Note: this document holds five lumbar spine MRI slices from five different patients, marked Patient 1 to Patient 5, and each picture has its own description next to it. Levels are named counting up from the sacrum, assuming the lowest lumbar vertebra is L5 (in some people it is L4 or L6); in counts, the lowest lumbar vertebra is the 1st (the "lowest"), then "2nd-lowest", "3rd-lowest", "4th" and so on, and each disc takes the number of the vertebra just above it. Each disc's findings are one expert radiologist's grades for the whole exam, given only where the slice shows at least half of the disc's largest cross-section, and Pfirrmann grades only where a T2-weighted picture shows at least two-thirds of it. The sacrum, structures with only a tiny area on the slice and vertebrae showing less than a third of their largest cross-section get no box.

Patient 1 of 5:
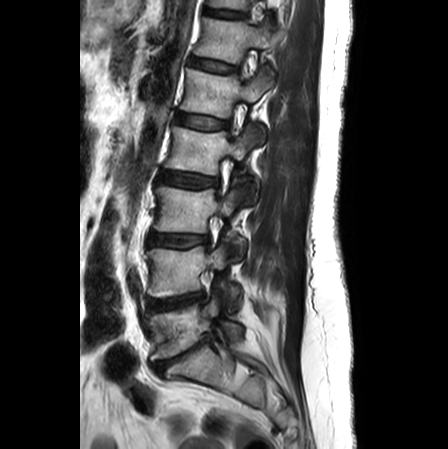

Field of view 280x280 mm, Sagittal T2-weighted lumbar spine MRI

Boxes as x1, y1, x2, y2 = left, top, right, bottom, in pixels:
4th disc: 160, 173, 217, 188 | 4th vertebra: 165, 127, 255, 203 | 3rd-lowest vertebra: 153, 186, 245, 256 | 7th disc: 204, 9, 246, 17 | 7th vertebra: 209, 0, 250, 10 | 5th disc: 175, 113, 227, 129 | 6th vertebra: 194, 17, 276, 63 | lowest vertebra: 150, 296, 242, 360 | 2nd-lowest vertebra: 147, 245, 240, 310 | 6th disc: 190, 57, 238, 72 | 5th vertebra: 181, 69, 273, 142 | lowest disc: 154, 340, 204, 373 | 2nd-lowest disc: 150, 292, 204, 310 | 3rd-lowest disc: 148, 234, 208, 247

Radiological gradings:
  4th disc: Pfirrmann grade 2, disc bulging
  3rd-lowest disc: Pfirrmann grade 3, disc bulging
  5th disc: Pfirrmann grade 1
  6th disc: Pfirrmann grade 1
  2nd-lowest disc: Pfirrmann grade 4, disc bulging, disc narrowing
  7th disc: no herniation, bulging, narrowing, spondylolisthesis, endplate or Modic change recorded

Patient 2 of 5:
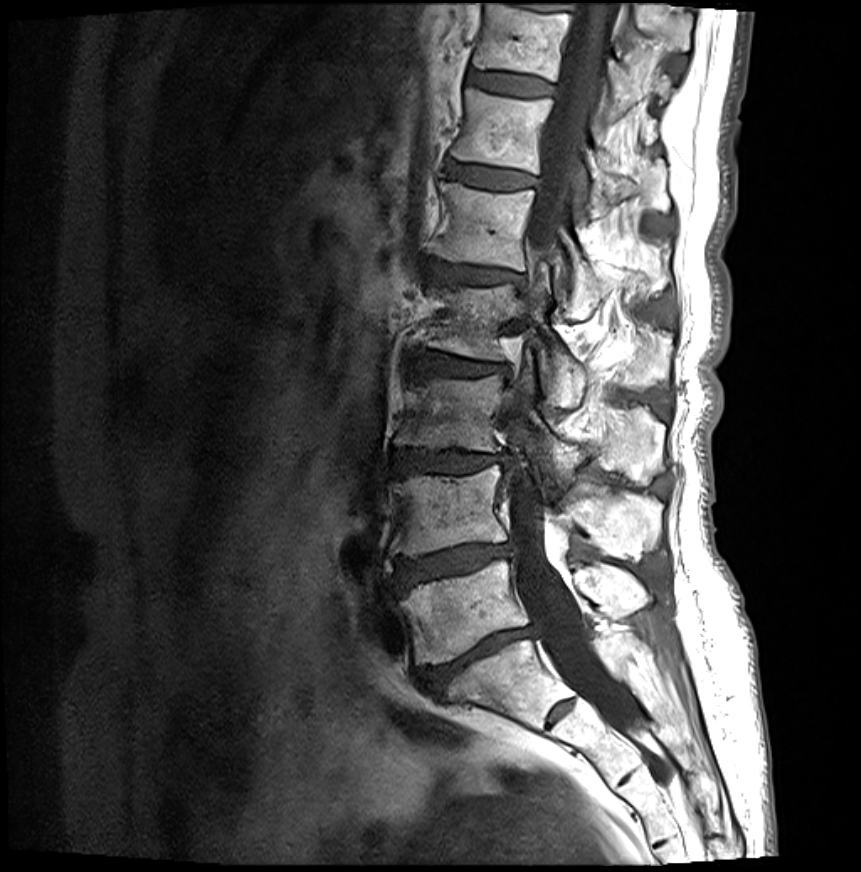 Sagittal T1-weighted lumbar spine MRI | Field of view 300x304 mm, slice spacing 3.3 mm | Slice 12 of 27
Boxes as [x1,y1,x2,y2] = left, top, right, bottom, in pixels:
Segmented structures:
* 2nd-lowest vertebra — [392,466,661,560]
* 7th vertebra — [472,6,670,115]
* 7th disc — [467,72,550,96]
* 6th vertebra — [452,88,670,217]
* 3rd-lowest disc — [393,451,505,475]
* 4th disc — [414,355,505,377]
* 5th vertebra — [437,183,666,320]
* spinal canal — [504,4,635,733]
* 2nd-lowest disc — [397,543,512,587]
* 4th vertebra — [429,285,670,408]
* 5th disc — [429,262,520,284]
* lowest disc — [419,628,534,696]
* 3rd-lowest vertebra — [397,369,663,482]
* 6th disc — [449,164,534,189]
* lowest vertebra — [398,560,648,665]

Degenerative findings by level:
  2nd-lowest disc: lower-endplate change, disc narrowing, disc herniation, upper-endplate change, disc bulging, Modic type II
  3rd-lowest disc: disc bulging, lower-endplate change, upper-endplate change, disc narrowing, Modic type II
  6th disc: lower-endplate change, upper-endplate change, Modic type II
  lowest disc: upper-endplate change, disc narrowing, lower-endplate change, disc bulging, Modic type II
  7th disc: lower-endplate change, upper-endplate change, Modic type II
  4th disc: Modic type II, lower-endplate change, disc narrowing, upper-endplate change, disc bulging
  5th disc: Modic type II, upper-endplate change, lower-endplate change, disc narrowing, disc bulging

Patient 3 of 5:
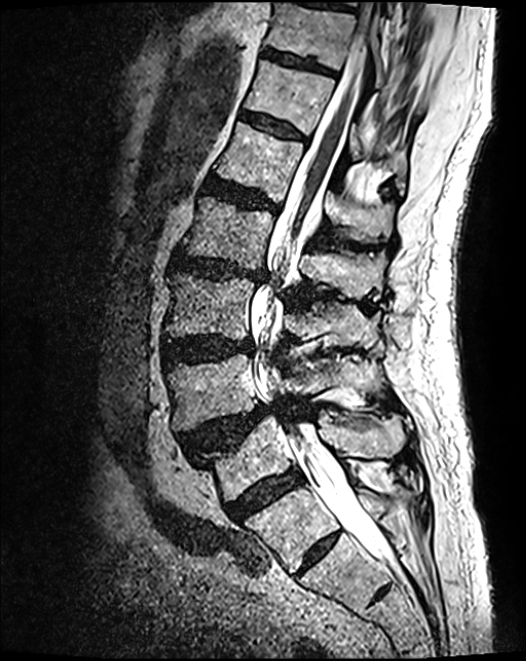 Lumbar spine MR, T2 SPACE (3D), sagittal | 526x661 px | Patient sex: M

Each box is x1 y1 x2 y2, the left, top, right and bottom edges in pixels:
IVD L4/L5 (2nd-lowest disc) = 180 405 273 460 | L4 (2nd-lowest vertebra) = 166 355 378 432 | T11/T12 (7th disc) = 262 48 335 74 | T12 (6th vertebra) = 245 61 407 190 | L2 (4th vertebra) = 181 197 385 300 | T12/L1 (6th disc) = 239 112 304 141 | L3 (3rd-lowest vertebra) = 165 274 378 346 | IVD L3/L4 (3rd-lowest disc) = 162 338 254 365 | IVD L5/S1 (lowest disc) = 226 471 302 521 | L1 (5th vertebra) = 216 123 393 243 | L5 (lowest vertebra) = 201 416 403 502 | spinal canal = 251 2 390 565 | T11 (7th vertebra) = 266 3 383 87 | L2/L3 (4th disc) = 171 252 267 283 | IVD L1/L2 (5th disc) = 205 178 280 213

Radiological gradings:
  T11/T12 (7th disc): Pfirrmann grade 3, lower-endplate change
  T12/L1 (6th disc): Pfirrmann grade 3
  L2/L3 (4th disc): Pfirrmann grade 4, lower-endplate change, disc narrowing, disc bulging, upper-endplate change
  L5/S1 (lowest disc): Pfirrmann grade 4
  L3/L4 (3rd-lowest disc): Pfirrmann grade 4, disc bulging
  L1/L2 (5th disc): Pfirrmann grade 4, lower-endplate change, upper-endplate change, disc bulging
  L4/L5 (2nd-lowest disc): Pfirrmann grade 4, upper-endplate change, spondylolisthesis, disc herniation

Patient 4 of 5:
Sex F, 509x512 px, Field of view 280x281 mm, MRI lumbar spine (T2-weighted), sagittal plane, Sagittal slice index 11 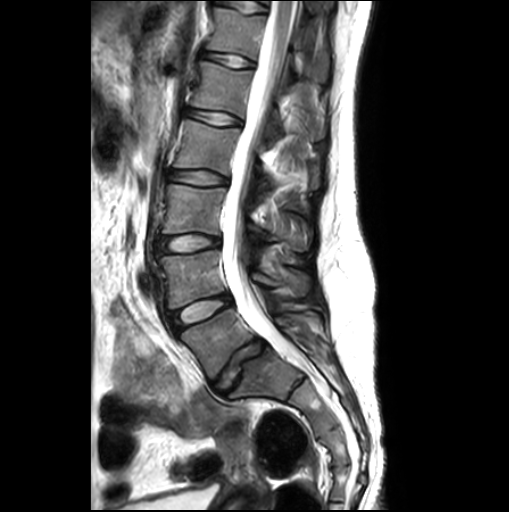 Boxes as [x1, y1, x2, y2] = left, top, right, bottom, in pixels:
{"L1 (5th vertebra)": "[191, 61, 324, 145]", "IVD T12/L1 (6th disc)": "[201, 51, 254, 67]", "L2 (4th vertebra)": "[174, 120, 320, 199]", "L2/L3 (4th disc)": "[166, 168, 228, 184]", "L4 (2nd-lowest vertebra)": "[159, 250, 311, 308]", "L3 (3rd-lowest vertebra)": "[163, 184, 312, 253]", "spinal canal": "[222, 1, 297, 355]", "L5 (lowest vertebra)": "[181, 308, 322, 378]", "T12 (6th vertebra)": "[207, 8, 294, 78]", "IVD L1/L2 (5th disc)": "[185, 108, 240, 125]", "IVD L3/L4 (3rd-lowest disc)": "[156, 234, 218, 256]", "L4/L5 (2nd-lowest disc)": "[169, 294, 231, 332]", "L5/S1 (lowest disc)": "[213, 338, 265, 394]"}

Degenerative findings by level:
- L5/S1 (lowest disc): Pfirrmann grade 3, upper-endplate change, disc bulging, lower-endplate change
- L1/L2 (5th disc): Pfirrmann grade 1
- L3/L4 (3rd-lowest disc): Pfirrmann grade 1, disc bulging
- L2/L3 (4th disc): Pfirrmann grade 1
- T12/L1 (6th disc): Pfirrmann grade 1
- L4/L5 (2nd-lowest disc): Pfirrmann grade 1, disc bulging

Patient 5 of 5:
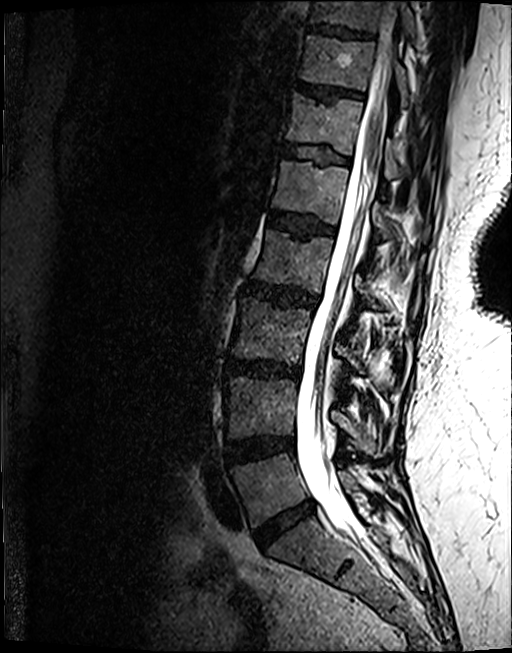 Sagittal slice index 64; MRI lumbar spine (T2 SPACE (3D)), sagittal plane; Patient sex: F
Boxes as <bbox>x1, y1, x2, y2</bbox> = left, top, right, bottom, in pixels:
Intervertebral disc L5/S1 at <bbox>255, 501, 314, 547</bbox>, T10 vertebra at <bbox>311, 0, 413, 38</bbox>, L1/L2 at <bbox>267, 211, 334, 236</bbox>, L4/L5 at <bbox>225, 435, 293, 462</bbox>, L4 vertebra at <bbox>225, 377, 373, 452</bbox>, thecal sac / spinal canal at <bbox>296, 4, 396, 541</bbox>, T12 vertebra at <bbox>286, 93, 399, 178</bbox>, T11/T12 at <bbox>294, 81, 363, 99</bbox>, L3 vertebra at <bbox>231, 296, 359, 368</bbox>, L5 vertebra at <bbox>230, 452, 358, 527</bbox>, intervertebral disc T12/L1 at <bbox>282, 143, 348, 163</bbox>, intervertebral disc L2/L3 at <bbox>244, 280, 316, 307</bbox>, T11 vertebra at <bbox>300, 34, 408, 105</bbox>, intervertebral disc L3/L4 at <bbox>227, 359, 300, 377</bbox>, L1 at <bbox>271, 160, 387, 240</bbox>, L2 vertebra at <bbox>252, 228, 373, 305</bbox>, intervertebral disc T10/T11 at <bbox>309, 24, 372, 37</bbox>.

Expert MSK radiologist gradings (per disc):
- T10/T11: Pfirrmann grade 4, upper-endplate change, lower-endplate change
- L2/L3: Pfirrmann grade 4, upper-endplate change, disc bulging, lower-endplate change
- L3/L4: Pfirrmann grade 4, upper-endplate change, Modic type II, disc narrowing, lower-endplate change, disc bulging
- T12/L1: Pfirrmann grade 3, lower-endplate change, upper-endplate change
- T11/T12: Pfirrmann grade 4, upper-endplate change
- L5/S1: Pfirrmann grade 4, disc bulging, disc narrowing
- L4/L5: Pfirrmann grade 4, lower-endplate change, Modic type II, disc bulging
- L1/L2: Pfirrmann grade 4, Modic type II, lower-endplate change, upper-endplate change